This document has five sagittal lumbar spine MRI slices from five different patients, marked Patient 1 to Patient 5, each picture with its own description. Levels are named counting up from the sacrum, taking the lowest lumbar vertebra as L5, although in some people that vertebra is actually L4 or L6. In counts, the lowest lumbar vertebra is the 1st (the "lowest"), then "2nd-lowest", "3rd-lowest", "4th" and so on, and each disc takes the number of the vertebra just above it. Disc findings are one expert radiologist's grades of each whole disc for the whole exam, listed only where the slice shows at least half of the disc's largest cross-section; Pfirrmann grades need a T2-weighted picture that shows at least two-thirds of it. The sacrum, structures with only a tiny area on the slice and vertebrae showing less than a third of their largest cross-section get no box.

Patient 1 of 5:
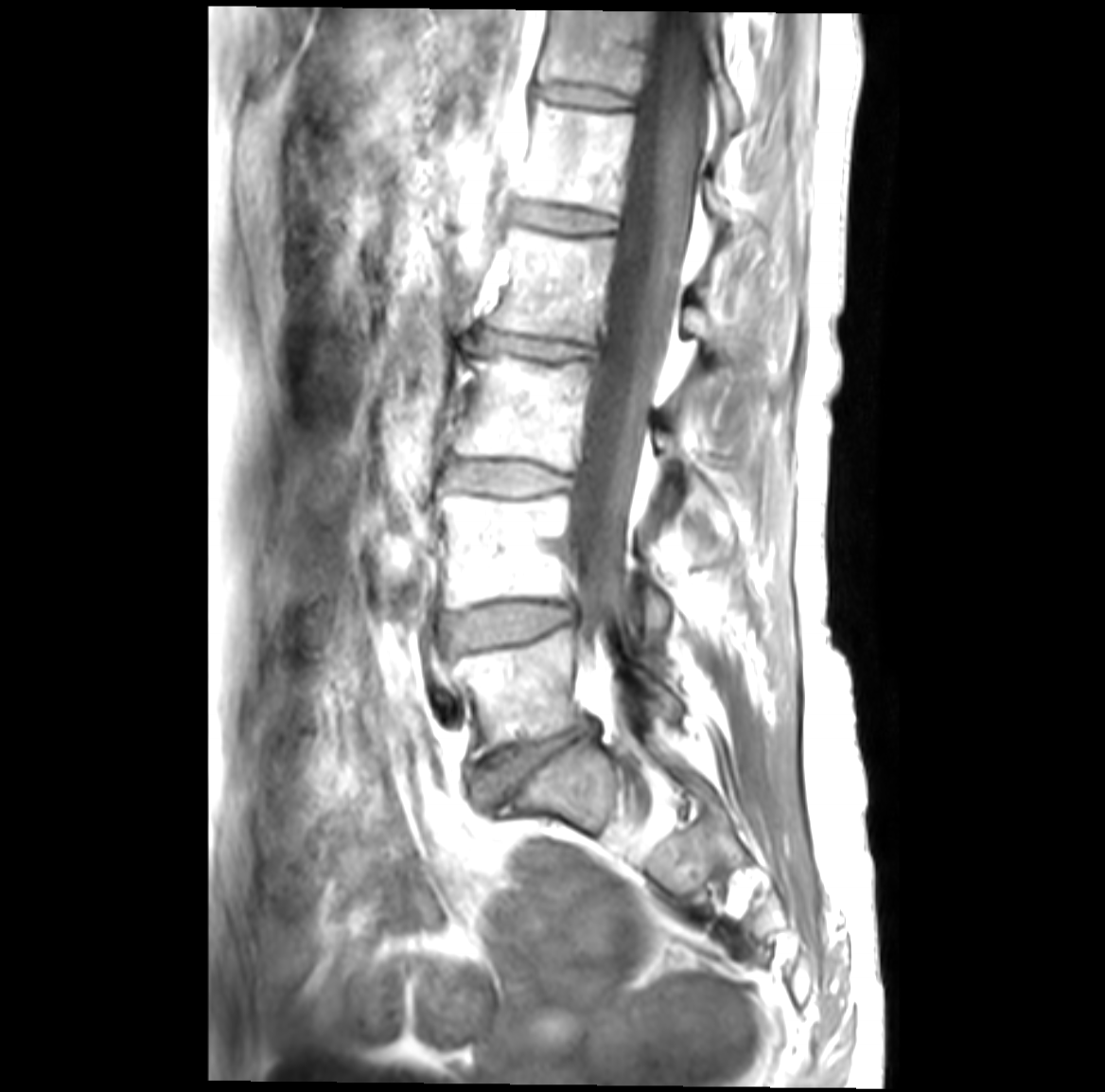
T1-weighted sagittal MRI of the lumbar spine | Slice 22/41 | Sex F

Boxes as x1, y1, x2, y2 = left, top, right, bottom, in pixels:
Annotations:
• 6th disc at 535, 83, 631, 111
• 2nd-lowest disc at 444, 603, 571, 651
• thecal sac / spinal canal at 570, 10, 707, 674
• 3rd-lowest vertebra at 455, 354, 688, 470
• 3rd-lowest disc at 448, 463, 571, 493
• 5th vertebra at 519, 100, 744, 232
• 4th disc at 474, 327, 597, 359
• lowest vertebra at 439, 629, 677, 757
• 5th disc at 515, 205, 615, 232
• 2nd-lowest vertebra at 439, 492, 668, 626
• lowest disc at 476, 721, 595, 803
• 6th vertebra at 537, 9, 737, 127
• 4th vertebra at 487, 226, 739, 360

Expert MSK radiologist gradings (per disc):
• 2nd-lowest disc: disc bulging, Modic type II
• 4th disc: disc bulging, disc narrowing, Modic type II
• 3rd-lowest disc: Modic type II, disc bulging
• lowest disc: Modic type II, disc bulging, disc narrowing
• 6th disc, 5th disc: no herniation, bulging, narrowing, spondylolisthesis, endplate or Modic change recorded

Patient 2 of 5:
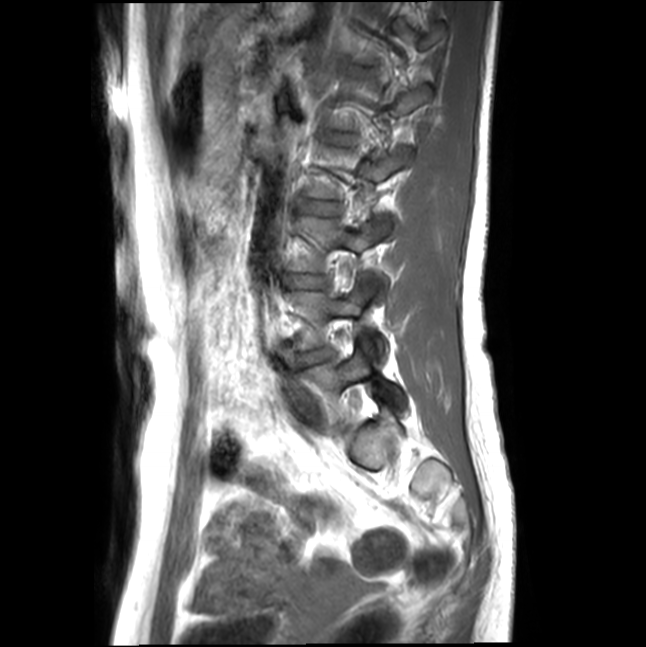 MRI lumbar spine (T1-weighted), sagittal plane. Slice 13 of 18.

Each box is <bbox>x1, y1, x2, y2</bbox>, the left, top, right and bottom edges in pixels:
Annotations:
- L4/L5 = <bbox>298, 349, 327, 365</bbox>
- L3/L4 = <bbox>284, 275, 324, 287</bbox>
- L3 = <bbox>287, 216, 384, 272</bbox>
- L4 = <bbox>289, 289, 386, 353</bbox>
- L5 = <bbox>306, 351, 403, 422</bbox>
- disc L2/L3 = <bbox>305, 202, 340, 214</bbox>

Per-level radiological findings:
  L3/L4: no herniation, bulging, narrowing, spondylolisthesis, endplate or Modic change recorded

Patient 3 of 5:
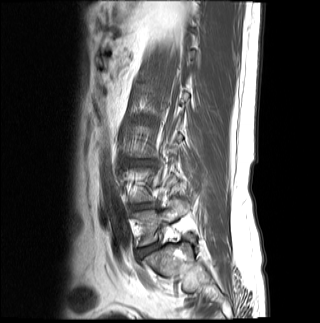 Sagittal T1-weighted lumbar spine MRI. Sagittal slice index 14.

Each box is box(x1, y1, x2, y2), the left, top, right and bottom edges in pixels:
{"disc L5/S1": "box(137, 243, 159, 256)", "L5": "box(133, 197, 189, 245)", "disc L4/L5": "box(131, 204, 157, 209)"}

Patient 4 of 5:
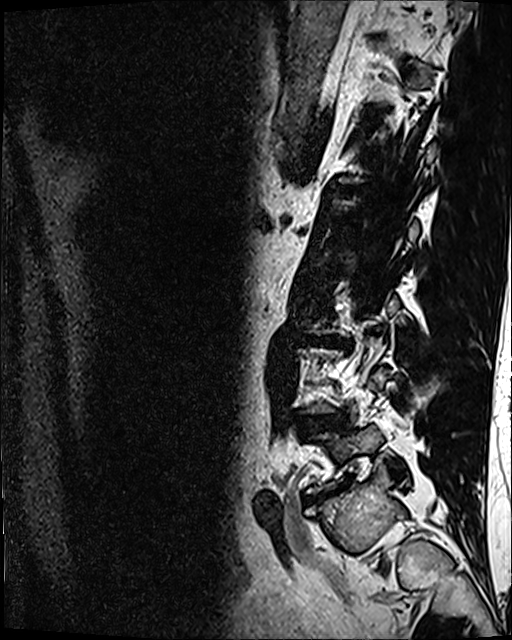 Image 512x640. Sagittal T2 SPACE (3D) lumbar spine MRI. Patient sex: M.

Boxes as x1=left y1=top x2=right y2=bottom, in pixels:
IVD L3/L4 (3rd-lowest disc) at x1=307 y1=337 x2=347 y2=346, IVD L4/L5 (2nd-lowest disc) at x1=300 y1=416 x2=340 y2=428, IVD L5/S1 (lowest disc) at x1=308 y1=488 x2=338 y2=502.

Patient 5 of 5:
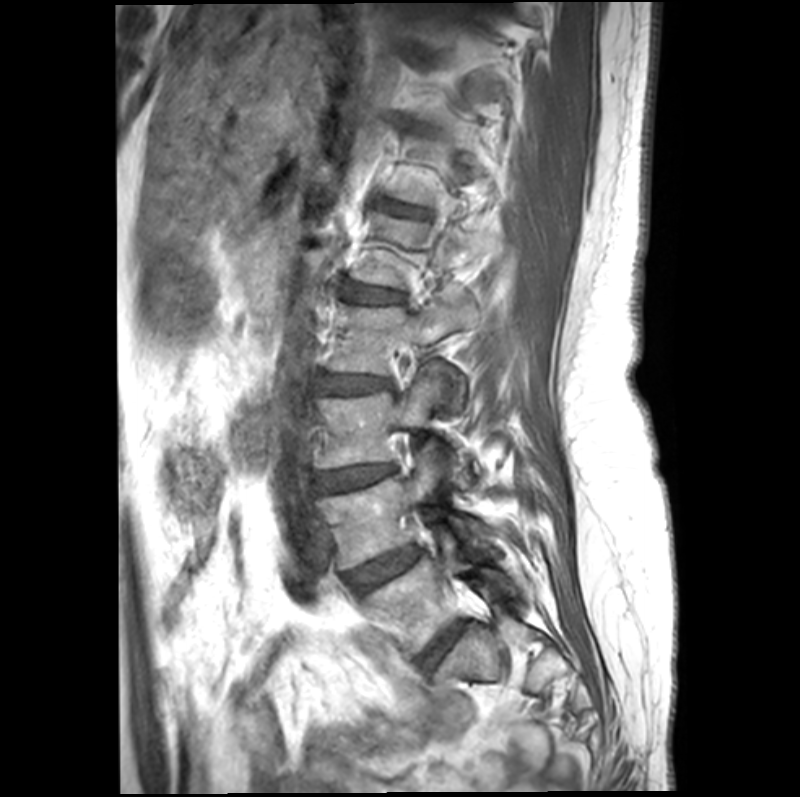 Slice 7 of 21, Patient sex: F, Sagittal T1-weighted lumbar spine MRI, Image 800x797
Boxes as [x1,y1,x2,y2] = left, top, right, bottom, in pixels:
• L1 (5th vertebra) = [353,213,495,288]
• L3 (3rd-lowest vertebra) = [319,364,465,471]
• L5 (lowest vertebra) = [366,535,514,652]
• intervertebral disc T12/L1 (6th disc) = [384,203,413,214]
• L4 (2nd-lowest vertebra) = [317,450,490,569]
• L3/L4 (3rd-lowest disc) = [315,464,394,492]
• L1/L2 (5th disc) = [345,284,400,302]
• intervertebral disc L4/L5 (2nd-lowest disc) = [348,548,418,592]
• L2 (4th vertebra) = [330,294,478,397]
• intervertebral disc L5/S1 (lowest disc) = [419,625,461,669]
• L2/L3 (4th disc) = [314,374,387,393]

Degenerative findings by level:
• L1/L2 (5th disc): Modic type II, lower-endplate change, upper-endplate change
• L4/L5 (2nd-lowest disc): Modic type II
• L3/L4 (3rd-lowest disc): upper-endplate change, Modic type II, disc bulging, disc narrowing, lower-endplate change
• L2/L3 (4th disc): upper-endplate change, disc bulging, lower-endplate change, Modic type II